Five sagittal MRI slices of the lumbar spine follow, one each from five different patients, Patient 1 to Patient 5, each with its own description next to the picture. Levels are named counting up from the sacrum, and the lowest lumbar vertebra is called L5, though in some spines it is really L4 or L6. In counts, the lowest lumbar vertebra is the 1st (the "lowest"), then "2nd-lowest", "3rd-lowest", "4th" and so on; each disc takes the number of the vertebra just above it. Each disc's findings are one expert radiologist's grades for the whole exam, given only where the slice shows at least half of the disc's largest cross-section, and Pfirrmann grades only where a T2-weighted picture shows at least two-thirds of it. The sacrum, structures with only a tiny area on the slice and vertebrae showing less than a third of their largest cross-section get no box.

Patient 1 of 5:
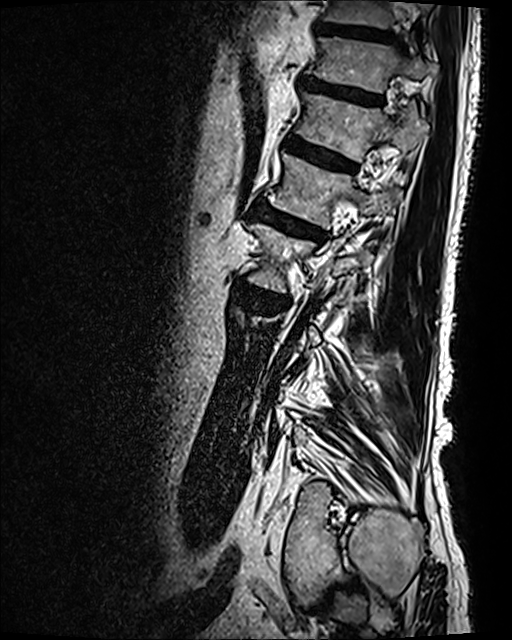
Field of view 240x300 mm, T2 SPACE (3D) sagittal MRI of the lumbar spine

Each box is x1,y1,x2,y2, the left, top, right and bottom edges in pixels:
T10 vertebra at 323,0,395,30.
T12 vertebra at 296,92,427,161.
Disc T11/T12 at 300,74,382,102.
Disc L1/L2 at 256,199,327,241.
L1 at 267,154,402,229.
T10/T11 at 314,22,395,41.
L2 at 244,223,372,292.
Disc L2/L3 at 237,281,286,307.
T11 vertebra at 305,38,433,92.
T12/L1 at 284,135,356,172.

Degenerative findings by level:
• T11/T12: Pfirrmann grade 4, disc bulging, lower-endplate change, upper-endplate change
• T10/T11: Pfirrmann grade 3
• T12/L1: Pfirrmann grade 4, disc bulging, Modic type II, lower-endplate change, upper-endplate change
• L1/L2: Pfirrmann grade 4, Modic type II, upper-endplate change, lower-endplate change, disc bulging

Patient 2 of 5:
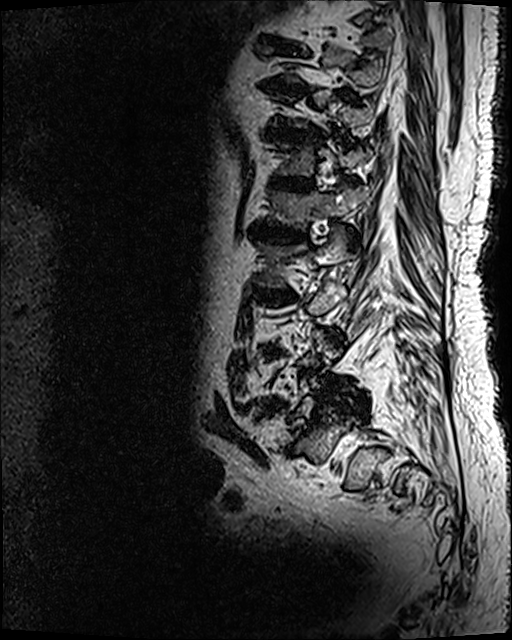 Sagittal slice index 86. T2 SPACE (3D) sagittal MRI of the lumbar spine.
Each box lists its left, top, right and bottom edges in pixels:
{"IVD L2/L3": "left=256, top=287, right=297, bottom=302", "L2": "left=252, top=224, right=355, bottom=287", "IVD L4/L5": "left=254, top=399, right=286, bottom=412", "T12 vertebra": "left=275, top=140, right=368, bottom=176", "IVD T11/T12": "left=266, top=126, right=321, bottom=141", "IVD L1/L2": "left=249, top=224, right=305, bottom=244", "L1": "left=267, top=181, right=370, bottom=231", "T12/L1": "left=270, top=175, right=315, bottom=192", "L3/L4": "left=264, top=348, right=284, bottom=356", "T10/T11": "left=262, top=79, right=305, bottom=98"}

Degenerative findings by level:
  T12/L1: disc narrowing, lower-endplate change, disc bulging, upper-endplate change, Modic type II
  L1/L2: Pfirrmann grade 5, disc bulging, upper-endplate change, lower-endplate change, Modic type II, disc narrowing
  T11/T12: disc narrowing, upper-endplate change, disc bulging, lower-endplate change, Modic type II
  T10/T11: upper-endplate change, Modic type II, lower-endplate change, disc narrowing, disc bulging

Patient 3 of 5:
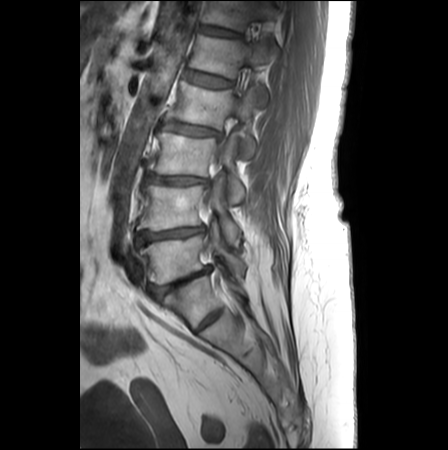 Patient sex: F. Field of view 280x281 mm, slice spacing 3.3 mm. Lumbar spine MR, T1-weighted, sagittal. Slice 16 of 25.

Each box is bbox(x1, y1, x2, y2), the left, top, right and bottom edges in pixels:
Segmented structures:
• 4th vertebra = bbox(169, 82, 256, 156)
• 2nd-lowest vertebra = bbox(138, 178, 240, 245)
• 2nd-lowest disc = bbox(136, 226, 204, 244)
• 6th disc = bbox(198, 24, 240, 36)
• lowest vertebra = bbox(140, 223, 245, 283)
• 4th disc = bbox(161, 121, 219, 136)
• 3rd-lowest vertebra = bbox(147, 131, 244, 203)
• 3rd-lowest disc = bbox(145, 173, 208, 183)
• lowest disc = bbox(150, 265, 211, 298)
• 6th vertebra = bbox(201, 1, 279, 30)
• 5th disc = bbox(183, 70, 232, 87)
• 5th vertebra = bbox(189, 34, 272, 105)

Expert MSK radiologist gradings (per disc):
• 4th disc: upper-endplate change, disc narrowing, lower-endplate change, Modic type II, disc bulging
• 2nd-lowest disc: lower-endplate change, disc narrowing, Modic type II, upper-endplate change, disc bulging
• 3rd-lowest disc: upper-endplate change, Modic type II, disc bulging, lower-endplate change, disc narrowing
• lowest disc: lower-endplate change, Modic type II, upper-endplate change, disc narrowing, disc bulging
• 6th disc: lower-endplate change
• 5th disc: no spondylolisthesis, narrowing, bulging, herniation, Modic or endplate change recorded

Patient 4 of 5:
Lumbar spine MR, T2-weighted, sagittal 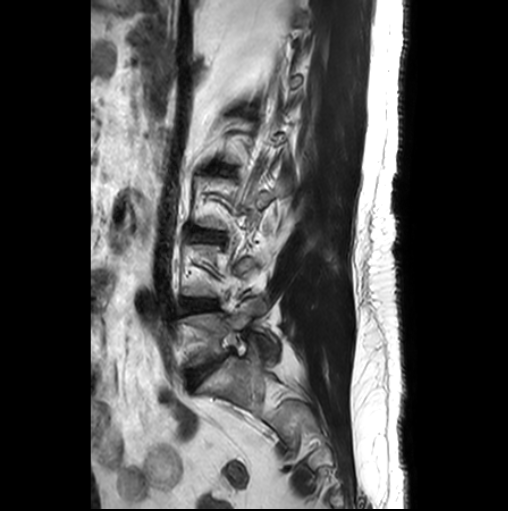 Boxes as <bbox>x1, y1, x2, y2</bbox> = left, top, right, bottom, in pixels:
{"IVD L5/S1 (lowest disc)": "<bbox>187, 359, 221, 387</bbox>", "L5 (lowest vertebra)": "<bbox>184, 297, 262, 366</bbox>", "IVD L3/L4 (3rd-lowest disc)": "<bbox>193, 230, 223, 240</bbox>", "IVD L4/L5 (2nd-lowest disc)": "<bbox>182, 300, 216, 311</bbox>"}

Patient 5 of 5:
MRI lumbar spine (T2-weighted), sagittal plane
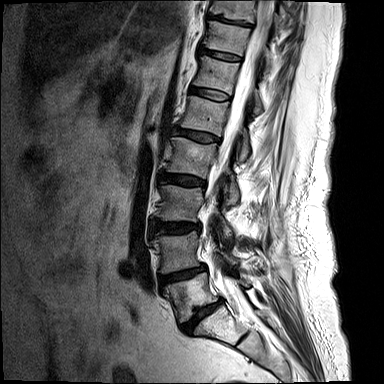 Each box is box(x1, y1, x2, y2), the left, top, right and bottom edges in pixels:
L2/L3: box(160, 173, 204, 186).
IVD T10/T11: box(206, 14, 250, 26).
L1/L2: box(173, 127, 219, 141).
L4: box(152, 231, 236, 272).
T10 vertebra: box(210, 0, 279, 27).
IVD L5/S1: box(181, 298, 223, 332).
IVD L4/L5: box(160, 266, 205, 284).
L3: box(158, 185, 232, 238).
Thecal sac / spinal canal: box(206, 0, 273, 309).
L5: box(164, 272, 248, 321).
L3/L4: box(153, 221, 200, 233).
T12/L1: box(190, 87, 228, 99).
L1 vertebra: box(181, 96, 249, 161).
T11/T12: box(198, 46, 241, 61).
L2: box(167, 137, 239, 205).
T11: box(203, 21, 270, 71).
T12 vertebra: box(194, 56, 262, 114).

Radiological gradings:
  T10/T11: Pfirrmann grade 5, Modic type II, lower-endplate change, disc narrowing
  T11/T12: Pfirrmann grade 2, upper-endplate change, Modic type II
  T12/L1: Pfirrmann grade 2, Modic type II
  L1/L2: Pfirrmann grade 3, disc bulging
  L5/S1: Pfirrmann grade 5, lower-endplate change, upper-endplate change, Modic type II, disc bulging, disc narrowing
  L2/L3: Pfirrmann grade 3, disc bulging
  L3/L4: Pfirrmann grade 3, disc bulging
  L4/L5: Pfirrmann grade 4, upper-endplate change, lower-endplate change, disc narrowing, disc bulging, Modic type II